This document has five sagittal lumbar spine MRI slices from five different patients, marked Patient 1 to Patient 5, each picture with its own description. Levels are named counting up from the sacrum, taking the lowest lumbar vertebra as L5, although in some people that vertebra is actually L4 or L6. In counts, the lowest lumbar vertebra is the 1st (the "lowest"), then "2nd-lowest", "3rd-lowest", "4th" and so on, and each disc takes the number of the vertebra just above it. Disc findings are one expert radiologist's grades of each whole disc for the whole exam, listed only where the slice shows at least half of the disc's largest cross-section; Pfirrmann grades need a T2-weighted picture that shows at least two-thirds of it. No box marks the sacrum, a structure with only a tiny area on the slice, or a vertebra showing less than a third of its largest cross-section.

Patient 1 of 5:
Lumbar spine MR, T2-weighted, sagittal 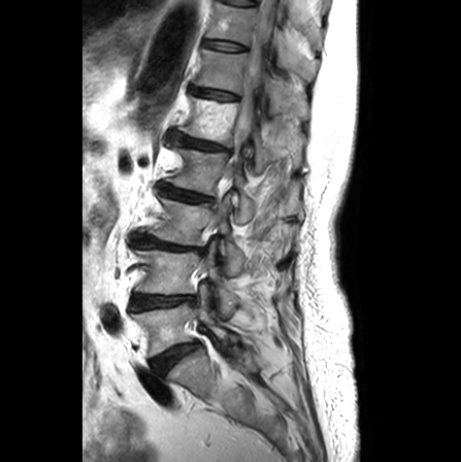
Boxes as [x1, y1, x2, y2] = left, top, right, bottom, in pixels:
5th disc at [170, 131, 227, 150], spinal canal at [236, 0, 276, 146], 7th vertebra at [205, 0, 317, 79], 2nd-lowest vertebra at [135, 243, 239, 318], lowest vertebra at [131, 284, 236, 356], 5th vertebra at [178, 96, 305, 172], 6th disc at [191, 87, 238, 99], 7th disc at [203, 39, 246, 51], 2nd-lowest disc at [131, 294, 194, 310], lowest disc at [151, 343, 198, 374], 4th vertebra at [166, 142, 301, 222], 3rd-lowest vertebra at [149, 194, 244, 274], 4th disc at [159, 184, 214, 201], 3rd-lowest disc at [132, 234, 204, 253], 6th vertebra at [195, 48, 308, 118].

Expert MSK radiologist gradings (per disc):
• 7th disc: Pfirrmann grade 1
• 6th disc: Pfirrmann grade 2, upper-endplate change
• 4th disc: Pfirrmann grade 3, lower-endplate change, disc narrowing, upper-endplate change
• lowest disc: Modic type II
• 5th disc: Pfirrmann grade 3, upper-endplate change, disc narrowing, disc bulging, lower-endplate change
• 3rd-lowest disc: Pfirrmann grade 5, upper-endplate change, disc narrowing, lower-endplate change, Modic type II
• 2nd-lowest disc: Pfirrmann grade 2, Modic type II, disc narrowing

Patient 2 of 5:
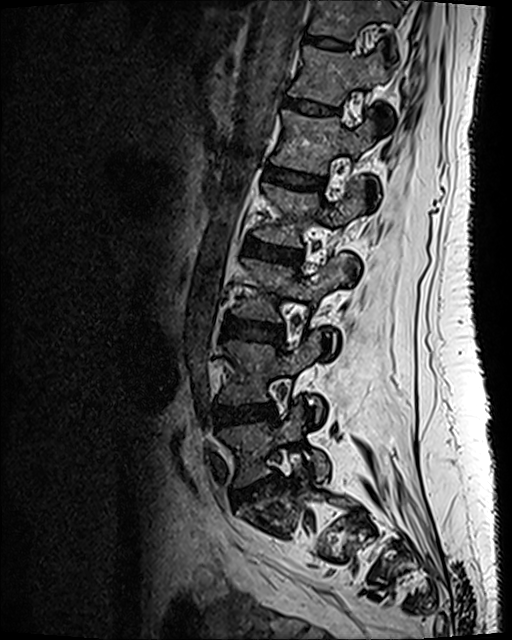

Field of view 240x300 mm. Lumbar spine MR, T2 SPACE (3D), sagittal. Image 512x640.

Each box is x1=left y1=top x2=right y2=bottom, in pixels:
2nd-lowest vertebra: x1=220 y1=332 x2=322 y2=418
4th disc: x1=245 y1=239 x2=300 y2=264
2nd-lowest disc: x1=215 y1=404 x2=275 y2=425
7th vertebra: x1=309 y1=0 x2=397 y2=42
5th disc: x1=265 y1=169 x2=323 y2=189
lowest vertebra: x1=221 y1=405 x2=329 y2=485
4th vertebra: x1=255 y1=181 x2=364 y2=266
6th disc: x1=285 y1=98 x2=337 y2=114
7th disc: x1=308 y1=37 x2=348 y2=50
5th vertebra: x1=271 y1=109 x2=373 y2=173
3rd-lowest vertebra: x1=233 y1=254 x2=350 y2=348
lowest disc: x1=232 y1=476 x2=276 y2=503
3rd-lowest disc: x1=224 y1=318 x2=283 y2=341
6th vertebra: x1=289 y1=46 x2=389 y2=118

Expert MSK radiologist gradings (per disc):
  2nd-lowest disc: disc bulging
  4th disc: disc bulging
  6th disc, 5th disc, 3rd-lowest disc: no herniation, bulging, narrowing, spondylolisthesis, endplate or Modic change recorded

Patient 3 of 5:
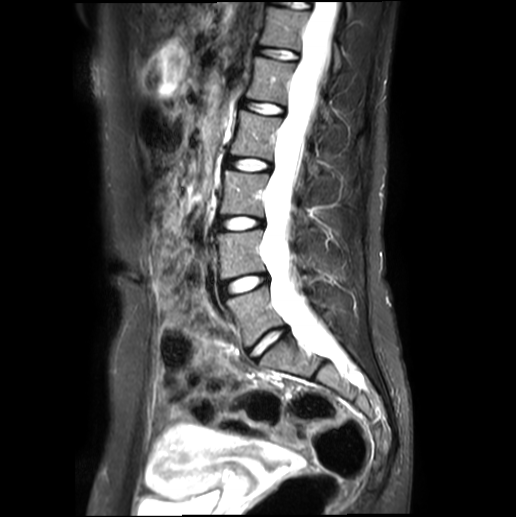
516x517 px | MRI lumbar spine (T2-weighted), sagittal plane

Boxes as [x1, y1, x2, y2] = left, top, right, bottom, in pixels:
L4 at [216, 230, 311, 279], L2/L3 at [227, 158, 270, 170], L1 at [247, 56, 334, 119], L2 vertebra at [232, 110, 320, 171], L5 at [227, 286, 323, 346], intervertebral disc L3/L4 at [216, 217, 263, 230], intervertebral disc L1/L2 at [241, 100, 285, 114], intervertebral disc L4/L5 at [220, 275, 269, 297], intervertebral disc T12/L1 at [255, 48, 298, 60], spinal canal at [263, 1, 338, 355], intervertebral disc L5/S1 at [247, 327, 287, 361], L3 at [220, 170, 312, 222], T12 vertebra at [259, 6, 343, 68].

Radiological gradings:
• L5/S1: Pfirrmann grade 1
• L2/L3: Pfirrmann grade 1
• L1/L2: Pfirrmann grade 1
• L3/L4: Pfirrmann grade 1
• L4/L5: Pfirrmann grade 1
• T12/L1: Pfirrmann grade 1

Patient 4 of 5:
MRI lumbar spine (T2 SPACE (3D)), sagittal plane, Slice 80 of 120, Field of view 240x300 mm, 512x640 px 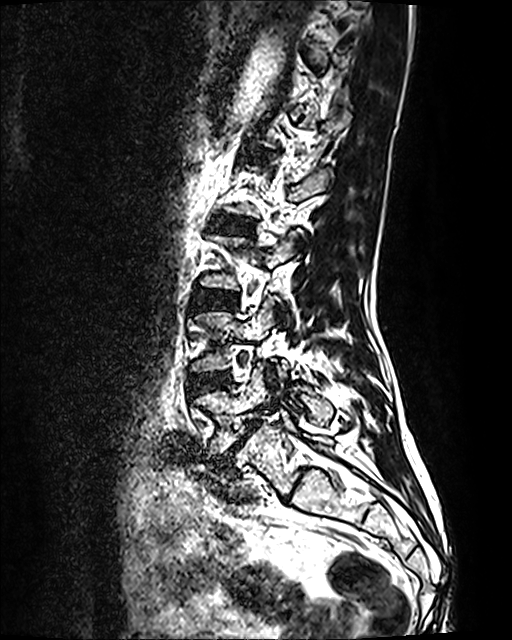

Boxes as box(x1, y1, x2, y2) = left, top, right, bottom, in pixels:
Lowest vertebra at box(193, 363, 332, 456).
2nd-lowest disc at box(190, 373, 229, 394).
4th disc at box(217, 215, 251, 232).
2nd-lowest vertebra at box(191, 300, 286, 379).
Lowest disc at box(212, 419, 261, 469).
3rd-lowest disc at box(192, 289, 235, 310).

Degenerative findings by level:
  lowest disc: spondylolisthesis, disc narrowing, disc bulging, Modic type II
  3rd-lowest disc: no Modic or endplate change, herniation, narrowing, bulging or spondylolisthesis recorded

Patient 5 of 5:
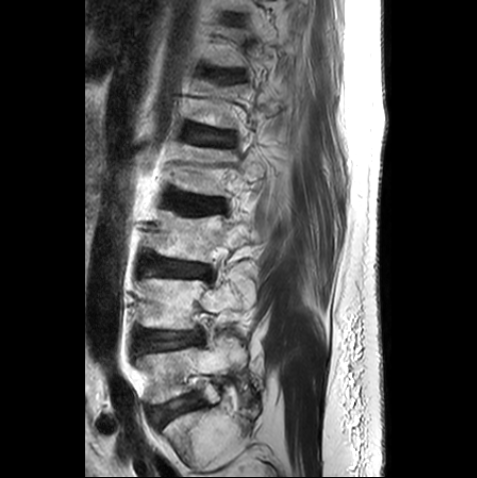 Slice 6/25; T2-weighted sagittal MRI of the lumbar spine

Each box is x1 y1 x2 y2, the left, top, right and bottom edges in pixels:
Annotations:
• disc T12/L1: 218 72 239 81
• L5: 136 334 245 404
• L3: 148 210 250 262
• disc L1/L2: 188 126 231 144
• disc L3/L4: 144 255 211 278
• disc L4/L5: 136 332 201 353
• L4: 139 277 254 329
• disc L2/L3: 166 188 221 214
• disc L5/S1: 150 396 196 426
• L2 vertebra: 174 145 266 195

Radiological gradings:
  L4/L5: lower-endplate change
  L2/L3: Pfirrmann grade 3, upper-endplate change
  L1/L2, L3/L4: no Modic or endplate change, herniation, narrowing, bulging or spondylolisthesis recorded